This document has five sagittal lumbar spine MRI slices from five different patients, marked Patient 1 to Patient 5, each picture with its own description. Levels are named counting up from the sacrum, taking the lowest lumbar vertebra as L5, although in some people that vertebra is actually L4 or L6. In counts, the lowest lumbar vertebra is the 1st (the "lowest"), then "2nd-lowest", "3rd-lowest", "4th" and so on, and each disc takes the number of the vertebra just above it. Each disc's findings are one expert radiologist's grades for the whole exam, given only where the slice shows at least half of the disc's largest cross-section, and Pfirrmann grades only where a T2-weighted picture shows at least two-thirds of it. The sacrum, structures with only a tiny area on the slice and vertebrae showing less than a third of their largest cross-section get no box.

Patient 1 of 5:
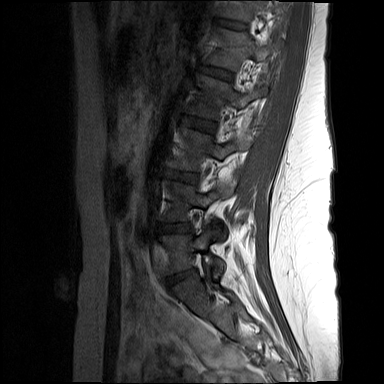 Sagittal T1-weighted lumbar spine MRI
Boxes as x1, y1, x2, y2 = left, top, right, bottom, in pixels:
T12 vertebra: 223, 1, 278, 21.
L5/S1: 168, 270, 193, 284.
IVD L4/L5: 161, 224, 187, 232.
L2: 189, 75, 266, 118.
IVD L2/L3: 184, 118, 214, 131.
IVD L1/L2: 202, 67, 230, 78.
L3 vertebra: 169, 128, 250, 170.
L1 vertebra: 208, 29, 272, 70.
L4: 162, 181, 235, 221.
IVD T12/L1: 221, 20, 243, 28.
L3/L4: 167, 172, 195, 181.
L5: 162, 229, 224, 276.

Radiological gradings:
  L1/L2, L2/L3: no herniation, bulging, narrowing, spondylolisthesis, endplate or Modic change recorded

Patient 2 of 5:
Lumbar spine MR, T2 SPACE (3D), sagittal; Slice 31/120; Image 512x640

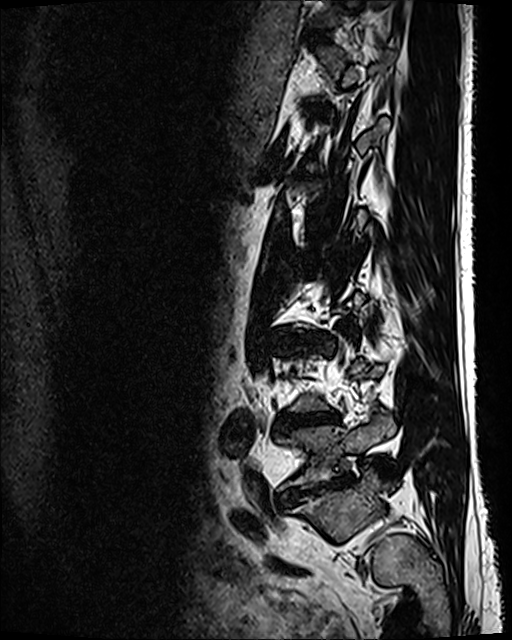
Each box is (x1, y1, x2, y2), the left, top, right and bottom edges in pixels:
lowest vertebra: (278, 416, 394, 490)
2nd-lowest disc: (283, 412, 337, 428)
7th disc: (307, 33, 326, 41)
lowest disc: (281, 479, 347, 502)

Per-level radiological findings:
  2nd-lowest disc: lower-endplate change, Modic type II, disc bulging, disc narrowing

Patient 3 of 5:
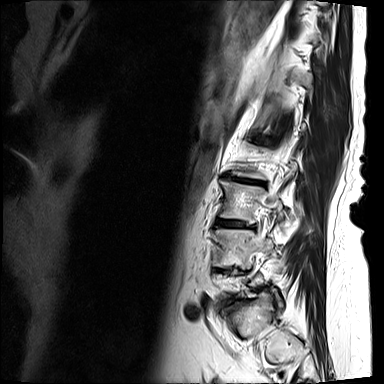 T2-weighted sagittal MRI of the lumbar spine; Image 384x384; Slice 12/15

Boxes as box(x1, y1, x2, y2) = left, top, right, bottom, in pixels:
3rd-lowest vertebra at box(220, 180, 281, 220); 3rd-lowest disc at box(217, 219, 253, 227); 4th disc at box(224, 175, 263, 184); 2nd-lowest vertebra at box(215, 229, 273, 263).

Per-level radiological findings:
  4th disc: Pfirrmann grade 5, disc bulging, upper-endplate change, Modic type II, lower-endplate change, disc narrowing, spondylolisthesis
  3rd-lowest disc: Pfirrmann grade 4, disc bulging, upper-endplate change, lower-endplate change

Patient 4 of 5:
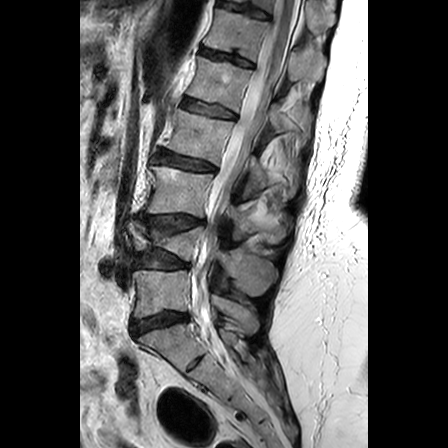

Sagittal T2-weighted lumbar spine MRI

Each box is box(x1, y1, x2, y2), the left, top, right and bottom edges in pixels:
Segmented structures:
• 6th vertebra — box(204, 9, 325, 81)
• lowest disc — box(131, 312, 187, 335)
• 5th disc — box(182, 98, 235, 118)
• spinal canal — box(191, 0, 299, 326)
• 3rd-lowest vertebra — box(146, 165, 287, 242)
• 2nd-lowest disc — box(134, 249, 187, 269)
• 6th disc — box(200, 47, 253, 66)
• lowest vertebra — box(133, 270, 258, 333)
• 5th vertebra — box(188, 56, 310, 144)
• 3rd-lowest disc — box(139, 215, 204, 229)
• 4th disc — box(154, 150, 215, 170)
• 7th vertebra — box(234, 0, 334, 29)
• 7th disc — box(218, 0, 269, 19)
• 2nd-lowest vertebra — box(129, 221, 276, 294)
• 4th vertebra — box(165, 109, 299, 195)

Per-level radiological findings:
- 5th disc: Pfirrmann grade 2, upper-endplate change
- lowest disc: Pfirrmann grade 3, disc bulging
- 7th disc: Pfirrmann grade 3, lower-endplate change
- 4th disc: Pfirrmann grade 3, upper-endplate change, lower-endplate change
- 6th disc: Pfirrmann grade 3, lower-endplate change, upper-endplate change
- 2nd-lowest disc: Pfirrmann grade 3, lower-endplate change, disc bulging
- 3rd-lowest disc: Pfirrmann grade 3, disc bulging, lower-endplate change, upper-endplate change

Patient 5 of 5:
MRI lumbar spine (T2-weighted), sagittal plane

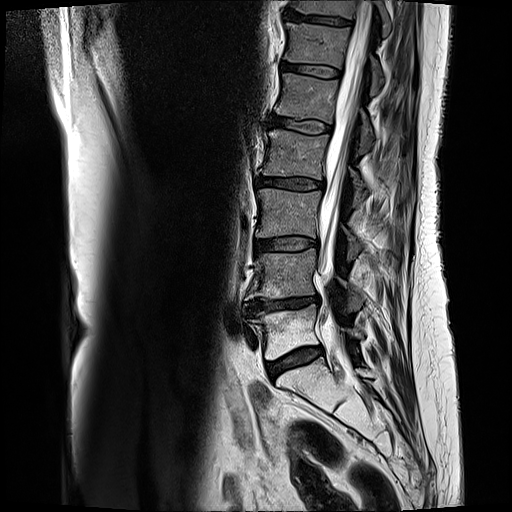 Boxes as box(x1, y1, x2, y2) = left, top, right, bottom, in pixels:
thecal sac / spinal canal: box(318, 1, 374, 276)
lowest vertebra: box(252, 305, 362, 359)
3rd-lowest vertebra: box(256, 188, 359, 260)
3rd-lowest disc: box(255, 238, 318, 250)
7th disc: box(285, 11, 350, 24)
5th vertebra: box(276, 73, 374, 153)
4th vertebra: box(263, 130, 367, 206)
5th disc: box(268, 115, 330, 133)
6th vertebra: box(286, 22, 383, 95)
2nd-lowest disc: box(245, 295, 318, 314)
lowest disc: box(267, 346, 323, 379)
7th vertebra: box(293, 0, 390, 35)
4th disc: box(258, 178, 324, 189)
2nd-lowest vertebra: box(247, 249, 362, 313)
6th disc: box(281, 62, 340, 77)

Expert MSK radiologist gradings (per disc):
  2nd-lowest disc: Pfirrmann grade 4, disc narrowing, disc bulging, upper-endplate change, lower-endplate change, Modic type II
  3rd-lowest disc: Pfirrmann grade 3, Modic type II, disc bulging
  lowest disc: Pfirrmann grade 3, Modic type II, disc bulging
  7th disc: Pfirrmann grade 4, lower-endplate change, Modic type II, upper-endplate change
  4th disc: Pfirrmann grade 3, Modic type II, disc bulging
  5th disc: Pfirrmann grade 3, Modic type II
  6th disc: Pfirrmann grade 3, Modic type II